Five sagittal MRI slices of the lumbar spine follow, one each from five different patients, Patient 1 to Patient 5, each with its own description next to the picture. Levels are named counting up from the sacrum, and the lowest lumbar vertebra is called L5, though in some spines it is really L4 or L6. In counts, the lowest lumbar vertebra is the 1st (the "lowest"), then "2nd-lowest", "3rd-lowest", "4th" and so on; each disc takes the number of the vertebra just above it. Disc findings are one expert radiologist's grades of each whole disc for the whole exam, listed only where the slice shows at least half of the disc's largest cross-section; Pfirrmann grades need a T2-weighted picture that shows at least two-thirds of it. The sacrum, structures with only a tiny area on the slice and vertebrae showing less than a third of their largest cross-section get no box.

Patient 1 of 5:
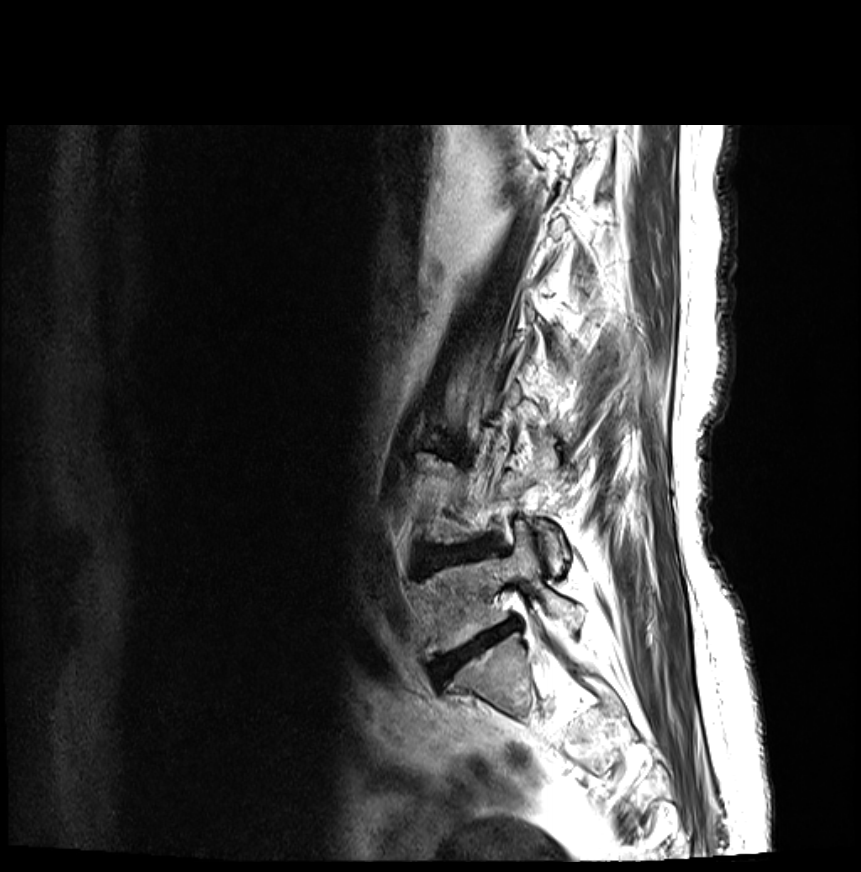 Patient sex: F | MRI lumbar spine (T2-weighted), sagittal plane | Slice 6 of 27 | Image 861x872
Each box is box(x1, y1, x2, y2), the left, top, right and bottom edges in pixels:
Annotations:
- L4/L5 — box(415, 541, 493, 574)
- intervertebral disc L5/S1 — box(432, 619, 519, 682)
- L5 vertebra — box(415, 521, 581, 658)

Degenerative findings by level:
  L5/S1: Pfirrmann grade 5, Modic type II, upper-endplate change, lower-endplate change, disc bulging, disc narrowing
  L4/L5: Modic type II, disc bulging, lower-endplate change, disc narrowing, disc herniation, upper-endplate change

Patient 2 of 5:
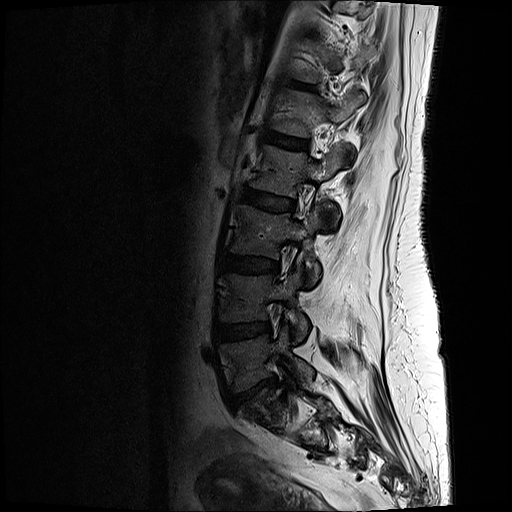

512x512 px. Patient sex: F. Slice 14 of 17. Sagittal T2-weighted lumbar spine MRI.

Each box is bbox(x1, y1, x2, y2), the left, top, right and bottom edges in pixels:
- L2 vertebra = bbox(252, 146, 342, 195)
- disc L3/L4 = bbox(224, 254, 277, 273)
- L4 = bbox(223, 269, 307, 340)
- L5/S1 = bbox(243, 380, 274, 396)
- L3 = bbox(231, 205, 320, 282)
- L2/L3 = bbox(242, 189, 292, 210)
- L1/L2 = bbox(262, 131, 307, 150)
- L5 vertebra = bbox(223, 327, 314, 390)
- L4/L5 = bbox(220, 322, 269, 339)

Radiological gradings:
  L2/L3: Pfirrmann grade 3, disc bulging
  L4/L5: disc bulging
  L3/L4: Pfirrmann grade 3
  L1/L2: no spondylolisthesis, narrowing, bulging, herniation, Modic or endplate change recorded

Patient 3 of 5:
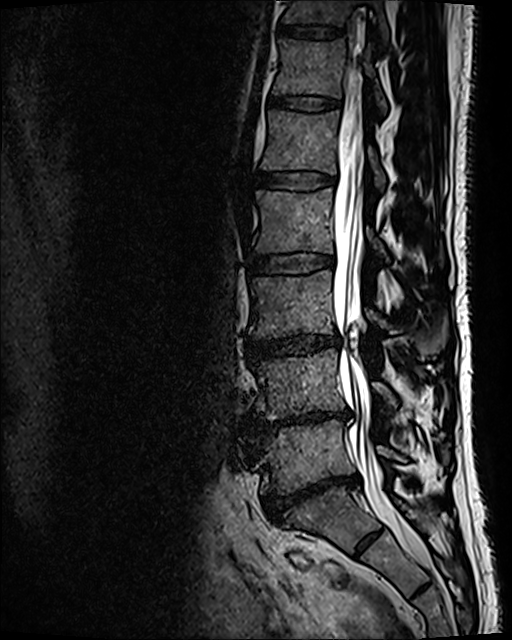

MRI lumbar spine (T2 SPACE (3D)), sagittal plane. Sex M.

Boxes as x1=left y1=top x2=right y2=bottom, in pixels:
L5/S1 = x1=263 y1=474 x2=360 y2=522.
L1 = x1=261 y1=109 x2=385 y2=186.
L2 = x1=255 y1=188 x2=443 y2=267.
IVD L4/L5 = x1=251 y1=410 x2=347 y2=431.
L5 vertebra = x1=257 y1=420 x2=449 y2=494.
L4 = x1=255 y1=349 x2=397 y2=420.
T12 vertebra = x1=272 y1=40 x2=387 y2=112.
T12/L1 = x1=269 y1=96 x2=340 y2=110.
T11/T12 = x1=277 y1=25 x2=343 y2=40.
L1/L2 = x1=257 y1=171 x2=334 y2=189.
L3/L4 = x1=246 y1=335 x2=340 y2=359.
T11 = x1=281 y1=0 x2=389 y2=49.
Spinal canal = x1=333 y1=51 x2=431 y2=568.
L3 = x1=250 y1=270 x2=447 y2=354.
L2/L3 = x1=250 y1=254 x2=333 y2=273.

Degenerative findings by level:
• T12/L1: Pfirrmann grade 2
• L3/L4: Pfirrmann grade 3, disc bulging, disc narrowing
• L2/L3: Pfirrmann grade 2
• T11/T12: Pfirrmann grade 2
• L4/L5: lower-endplate change, disc bulging, disc narrowing, Modic type II
• L1/L2: Pfirrmann grade 2
• L5/S1: Pfirrmann grade 5, disc bulging, disc narrowing, lower-endplate change, spondylolisthesis

Patient 4 of 5:
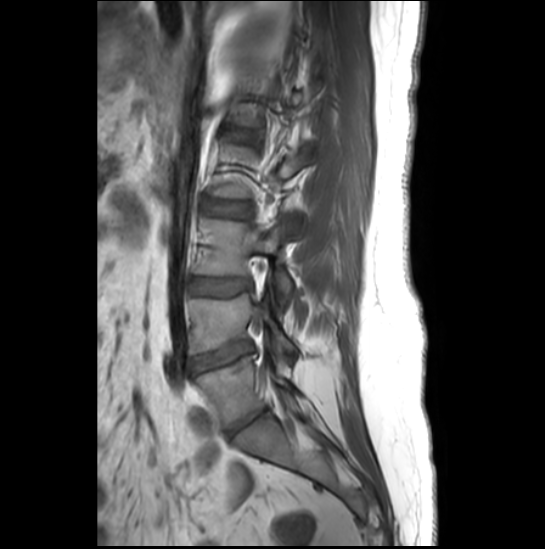 Sex F; MRI lumbar spine (T1-weighted), sagittal plane

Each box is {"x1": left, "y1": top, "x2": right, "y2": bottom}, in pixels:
L4 vertebra: {"x1": 190, "y1": 294, "x2": 295, "y2": 353}
disc L4/L5: {"x1": 190, "y1": 342, "x2": 252, "y2": 371}
L2/L3: {"x1": 204, "y1": 202, "x2": 251, "y2": 218}
L3 vertebra: {"x1": 195, "y1": 219, "x2": 292, "y2": 304}
L5: {"x1": 196, "y1": 357, "x2": 298, "y2": 427}
disc L5/S1: {"x1": 227, "y1": 409, "x2": 267, "y2": 435}
disc L1/L2: {"x1": 224, "y1": 126, "x2": 251, "y2": 143}
L3/L4: {"x1": 190, "y1": 278, "x2": 251, "y2": 296}

Radiological gradings:
- L4/L5: disc narrowing, disc herniation, Modic type II, upper-endplate change, lower-endplate change
- L2/L3, L3/L4: no spondylolisthesis, narrowing, bulging, herniation, Modic or endplate change recorded

Patient 5 of 5:
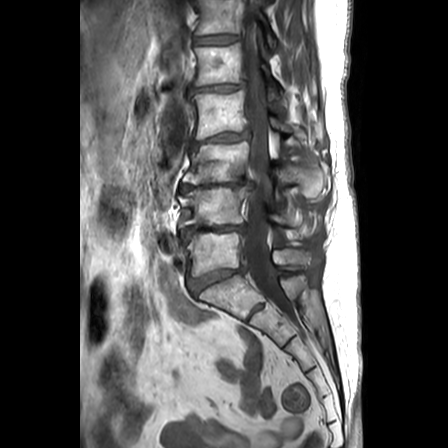

MRI lumbar spine (T1-weighted), sagittal plane

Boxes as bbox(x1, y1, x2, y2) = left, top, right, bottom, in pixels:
L3 vertebra at bbox(183, 141, 324, 196).
T12 at bbox(197, 0, 274, 48).
L5/S1 at bbox(188, 267, 245, 294).
IVD L4/L5 at bbox(180, 223, 246, 243).
L3/L4 at bbox(180, 178, 254, 190).
Spinal canal at bbox(244, 5, 289, 311).
L1 at bbox(195, 43, 276, 85).
L2 at bbox(188, 89, 321, 139).
L2/L3 at bbox(191, 129, 248, 152).
L5 at bbox(186, 232, 311, 276).
IVD L1/L2 at bbox(188, 82, 245, 92).
T12/L1 at bbox(196, 34, 238, 43).
L4 vertebra at bbox(179, 186, 320, 237).

Radiological gradings:
- L5/S1: upper-endplate change, disc bulging, disc narrowing, lower-endplate change
- L3/L4: disc narrowing, Modic type II, lower-endplate change, disc bulging, upper-endplate change
- L1/L2: disc bulging
- L4/L5: lower-endplate change, Modic type II, disc narrowing, disc bulging, upper-endplate change
- L2/L3: upper-endplate change, disc bulging, disc narrowing, lower-endplate change
- T12/L1: no Modic or endplate change, herniation, narrowing, bulging or spondylolisthesis recorded